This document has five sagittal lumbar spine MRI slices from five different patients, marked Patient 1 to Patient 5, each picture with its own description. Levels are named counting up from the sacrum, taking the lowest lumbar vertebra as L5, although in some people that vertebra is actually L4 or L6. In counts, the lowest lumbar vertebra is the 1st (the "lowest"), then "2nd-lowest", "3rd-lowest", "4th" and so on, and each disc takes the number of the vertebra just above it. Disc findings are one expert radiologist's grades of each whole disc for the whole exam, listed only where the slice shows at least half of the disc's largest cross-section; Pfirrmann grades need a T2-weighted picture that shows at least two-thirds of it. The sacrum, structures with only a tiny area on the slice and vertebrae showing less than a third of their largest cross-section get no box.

Patient 1 of 5:
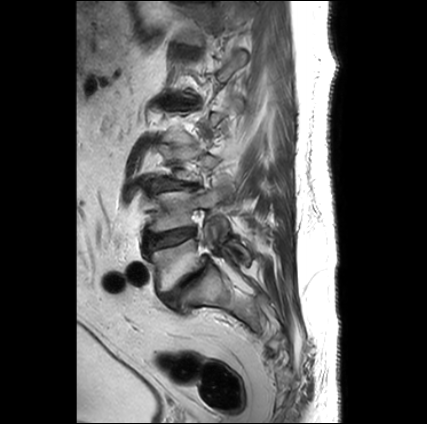 Image 427x424. Sagittal T2-weighted lumbar spine MRI. Field of view 284x281 mm, slice spacing 3.3 mm.
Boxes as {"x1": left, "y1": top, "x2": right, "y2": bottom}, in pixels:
2nd-lowest disc: {"x1": 144, "y1": 228, "x2": 195, "y2": 251}.
2nd-lowest vertebra: {"x1": 144, "y1": 186, "x2": 229, "y2": 234}.
3rd-lowest disc: {"x1": 153, "y1": 183, "x2": 198, "y2": 190}.
Lowest disc: {"x1": 161, "y1": 257, "x2": 207, "y2": 309}.
6th disc: {"x1": 176, "y1": 46, "x2": 197, "y2": 53}.
Lowest vertebra: {"x1": 147, "y1": 222, "x2": 250, "y2": 293}.
6th vertebra: {"x1": 176, "y1": 1, "x2": 252, "y2": 44}.

Expert MSK radiologist gradings (per disc):
• lowest disc: Pfirrmann grade 5, Modic type II, disc bulging, lower-endplate change, spondylolisthesis, disc narrowing, upper-endplate change
• 2nd-lowest disc: Pfirrmann grade 3, Modic type II

Patient 2 of 5:
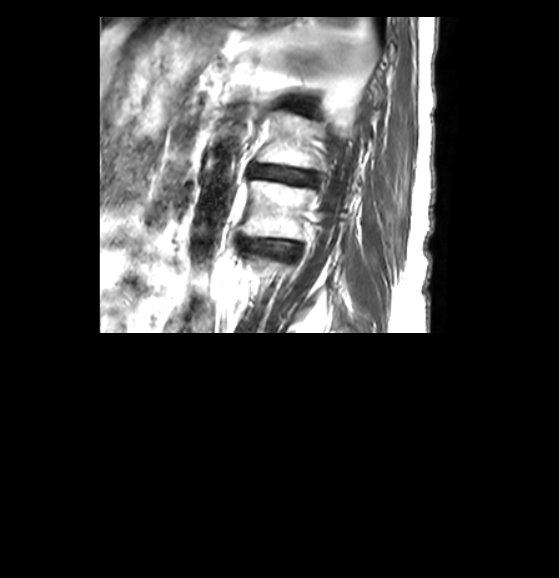
MRI lumbar spine (T2-weighted), sagittal plane.

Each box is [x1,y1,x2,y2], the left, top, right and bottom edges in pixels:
IVD L2/L3: [240,239,299,255].
L1 vertebra: [257,111,325,168].
L1/L2: [250,165,315,183].
L2: [240,180,320,239].
IVD T12/L1: [290,104,311,113].

Expert MSK radiologist gradings (per disc):
- L1/L2: Pfirrmann grade 4, disc narrowing
- L2/L3: Pfirrmann grade 4, disc bulging, disc narrowing

Patient 3 of 5:
Patient sex: F, Image 595x761, SIEMENS Avanto_fit (1.5T), Lumbar spine MR, T2 SPACE (3D), sagittal 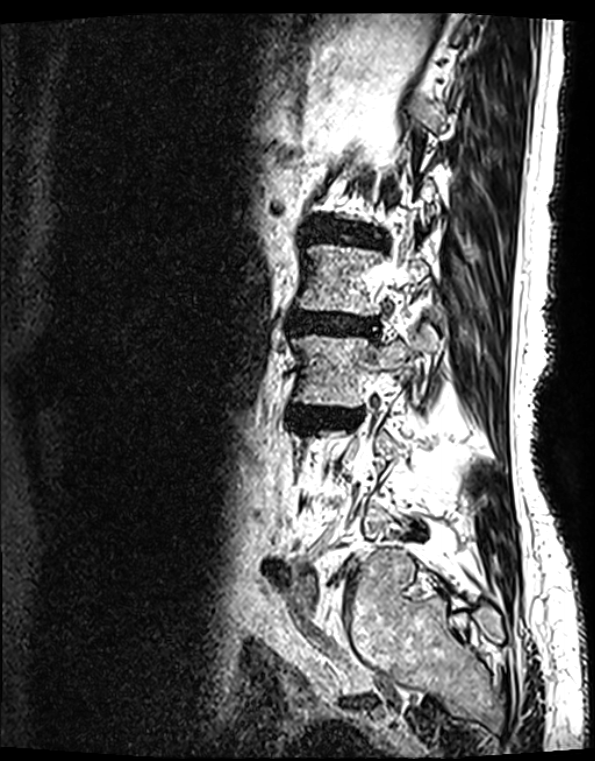
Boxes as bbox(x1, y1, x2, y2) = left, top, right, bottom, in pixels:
L3 — bbox(291, 322, 440, 406) | intervertebral disc L1/L2 — bbox(310, 230, 378, 244) | L3/L4 — bbox(288, 408, 359, 428) | L2 — bbox(296, 245, 429, 315) | intervertebral disc L2/L3 — bbox(287, 316, 375, 335)

Radiological gradings:
  L2/L3: Pfirrmann grade 4, upper-endplate change, disc narrowing, disc bulging, Modic type II, lower-endplate change
  L1/L2: lower-endplate change, disc narrowing, Modic type II, upper-endplate change, disc bulging
  L3/L4: disc narrowing, Modic type II, disc bulging, lower-endplate change, upper-endplate change

Patient 4 of 5:
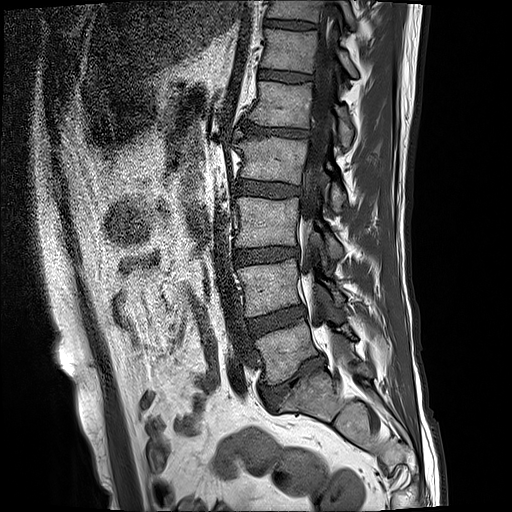 Image 512x512; Field of view 300x300 mm, slice spacing 3.3 mm; Sagittal T1-weighted lumbar spine MRI

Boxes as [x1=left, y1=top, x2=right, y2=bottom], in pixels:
L2/L3 at [x1=236, y1=178, x2=302, y2=197].
Disc L3/L4 at [x1=234, y1=247, x2=299, y2=265].
Disc T11/T12 at [x1=267, y1=22, x2=317, y2=29].
T11 vertebra at [x1=269, y1=0, x2=353, y2=25].
L4 at [x1=239, y1=253, x2=344, y2=317].
L4/L5 at [x1=247, y1=306, x2=304, y2=335].
Disc L1/L2 at [x1=242, y1=122, x2=311, y2=140].
Disc L5/S1 at [x1=260, y1=354, x2=325, y2=407].
Thecal sac / spinal canal at [x1=302, y1=38, x2=333, y2=321].
L3 at [x1=238, y1=198, x2=341, y2=261].
T12 vertebra at [x1=262, y1=30, x2=357, y2=77].
L5 vertebra at [x1=257, y1=318, x2=353, y2=385].
T12/L1 at [x1=260, y1=69, x2=313, y2=82].
L2 vertebra at [x1=238, y1=136, x2=345, y2=213].
L1 vertebra at [x1=250, y1=81, x2=352, y2=149].

Radiological gradings:
- L5/S1: disc bulging, disc narrowing, upper-endplate change, lower-endplate change, Modic type II
- L3/L4: disc bulging, lower-endplate change, upper-endplate change
- L4/L5: Modic type II
- T11/T12: upper-endplate change, lower-endplate change
- L1/L2: upper-endplate change, disc bulging, disc narrowing, Modic type II, lower-endplate change
- T12/L1, L2/L3: no herniation, bulging, narrowing, spondylolisthesis, endplate or Modic change recorded

Patient 5 of 5:
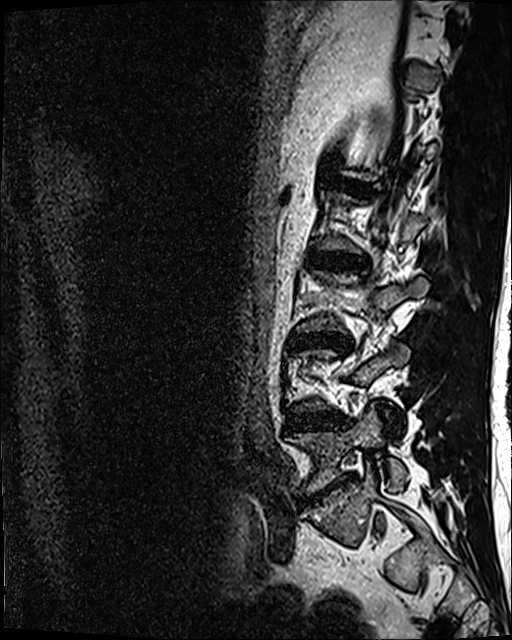 MRI lumbar spine (T2 SPACE (3D)), sagittal plane, Patient sex: M

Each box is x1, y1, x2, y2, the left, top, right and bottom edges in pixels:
L1/L2 (5th disc): 335, 178, 375, 194.
L2/L3 (4th disc): 306, 252, 365, 271.
L4/L5 (2nd-lowest disc): 287, 413, 344, 428.
L5 (lowest vertebra): 286, 404, 407, 494.
IVD L5/S1 (lowest disc): 301, 474, 356, 504.
IVD L3/L4 (3rd-lowest disc): 291, 333, 350, 348.

Degenerative findings by level:
- L2/L3 (4th disc): Pfirrmann grade 3, disc bulging
- L3/L4 (3rd-lowest disc): disc bulging, disc narrowing, lower-endplate change
- L4/L5 (2nd-lowest disc): disc narrowing, disc bulging